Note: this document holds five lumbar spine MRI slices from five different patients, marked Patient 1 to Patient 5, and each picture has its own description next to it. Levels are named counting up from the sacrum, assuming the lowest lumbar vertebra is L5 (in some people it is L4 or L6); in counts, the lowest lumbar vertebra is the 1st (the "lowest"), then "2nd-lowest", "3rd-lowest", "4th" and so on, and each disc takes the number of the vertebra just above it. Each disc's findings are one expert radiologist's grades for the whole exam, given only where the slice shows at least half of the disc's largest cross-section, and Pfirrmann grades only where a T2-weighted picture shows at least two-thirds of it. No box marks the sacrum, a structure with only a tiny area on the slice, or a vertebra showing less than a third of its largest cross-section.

Patient 1 of 5:
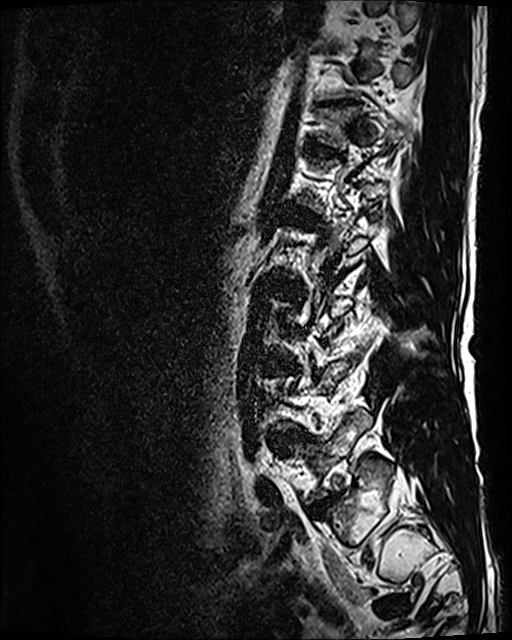

Image 512x640; Lumbar spine MR, T2 SPACE (3D), sagittal; Sex M

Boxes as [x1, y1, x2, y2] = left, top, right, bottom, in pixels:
L5/S1: [313, 499, 331, 509].
L2/L3: [265, 277, 292, 290].
L5 vertebra: [294, 410, 372, 499].
Disc T12/L1: [320, 149, 333, 154].
Disc L4/L5: [270, 431, 305, 448].
T11/T12: [331, 101, 344, 106].
L1/L2: [289, 209, 315, 220].

Patient 2 of 5:
448x449 px | Philips Healthcare Ingenia (3T) | Sagittal T1-weighted lumbar spine MRI | Slice 7/25
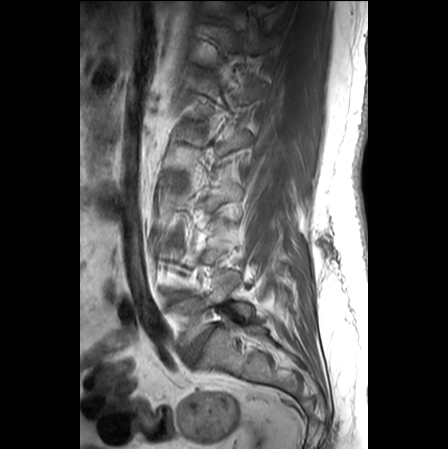
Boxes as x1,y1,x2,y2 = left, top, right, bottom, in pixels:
L5: 169,272,252,346
L5/S1: 185,324,216,363
L4/L5: 173,293,188,298

Patient 3 of 5:
Sagittal slice index 13 | Slice spacing 3.3 mm | Lumbar spine MR, T1-weighted, sagittal

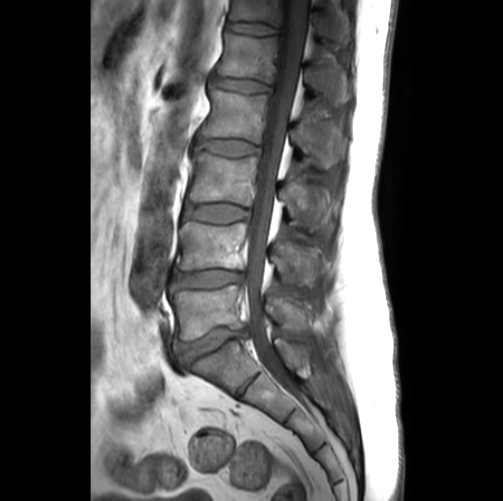

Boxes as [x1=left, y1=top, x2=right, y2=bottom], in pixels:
6th disc = [x1=226, y1=22, x2=277, y2=34].
5th vertebra = [x1=217, y1=33, x2=350, y2=104].
2nd-lowest vertebra = [x1=177, y1=222, x2=326, y2=282].
Lowest disc = [x1=174, y1=327, x2=247, y2=369].
Spinal canal = [x1=247, y1=0, x2=308, y2=386].
4th vertebra = [x1=202, y1=88, x2=343, y2=168].
4th disc = [x1=196, y1=139, x2=260, y2=156].
5th disc = [x1=211, y1=75, x2=270, y2=91].
3rd-lowest disc = [x1=185, y1=204, x2=250, y2=222].
3rd-lowest vertebra = [x1=190, y1=151, x2=332, y2=227].
Lowest vertebra = [x1=173, y1=285, x2=309, y2=339].
2nd-lowest disc = [x1=169, y1=270, x2=244, y2=292].
6th vertebra = [x1=229, y1=0, x2=351, y2=45].

Degenerative findings by level:
  2nd-lowest disc: lower-endplate change, upper-endplate change, disc narrowing, Modic type II, disc bulging
  lowest disc: disc narrowing, disc bulging
  4th disc, 3rd-lowest disc, 6th disc, 5th disc: no herniation, bulging, narrowing, spondylolisthesis, endplate or Modic change recorded

Patient 4 of 5:
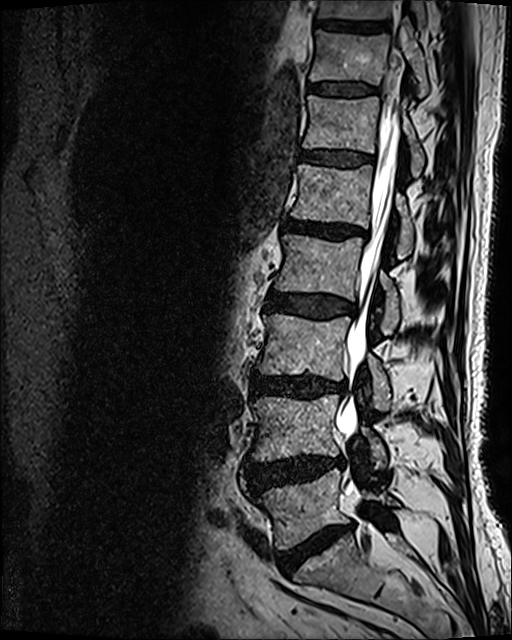
Sagittal T2 SPACE (3D) lumbar spine MRI

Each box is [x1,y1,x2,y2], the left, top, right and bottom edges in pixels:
Annotations:
- T12 vertebra = [303,95,424,176]
- L3 = [257,313,391,411]
- L4 vertebra = [252,395,387,469]
- L2 vertebra = [274,234,399,334]
- L2/L3 = [266,290,356,319]
- T10/T11 = [316,19,387,32]
- T11 vertebra = [309,18,428,97]
- L4/L5 = [246,455,344,490]
- L1 vertebra = [291,164,413,257]
- disc L3/L4 = [251,374,346,398]
- L1/L2 = [284,219,366,238]
- disc L5/S1 = [276,523,352,574]
- L5 = [257,469,397,549]
- disc T11/T12 = [309,84,376,95]
- T12/L1 = [300,151,373,167]
- T10 vertebra = [316,0,426,28]
- thecal sac / spinal canal = [337,61,401,436]

Radiological gradings:
• L5/S1: Pfirrmann grade 5, Modic type II, lower-endplate change, disc narrowing, disc bulging
• L3/L4: Pfirrmann grade 4, Modic type II, disc bulging, lower-endplate change, disc narrowing
• L4/L5: Pfirrmann grade 4, disc herniation, disc bulging
• L2/L3: Pfirrmann grade 3, disc bulging
• L1/L2: Pfirrmann grade 4, upper-endplate change, disc bulging, Modic type II, disc narrowing, lower-endplate change
• T12/L1: Pfirrmann grade 3
• T11/T12: Pfirrmann grade 3

Patient 5 of 5:
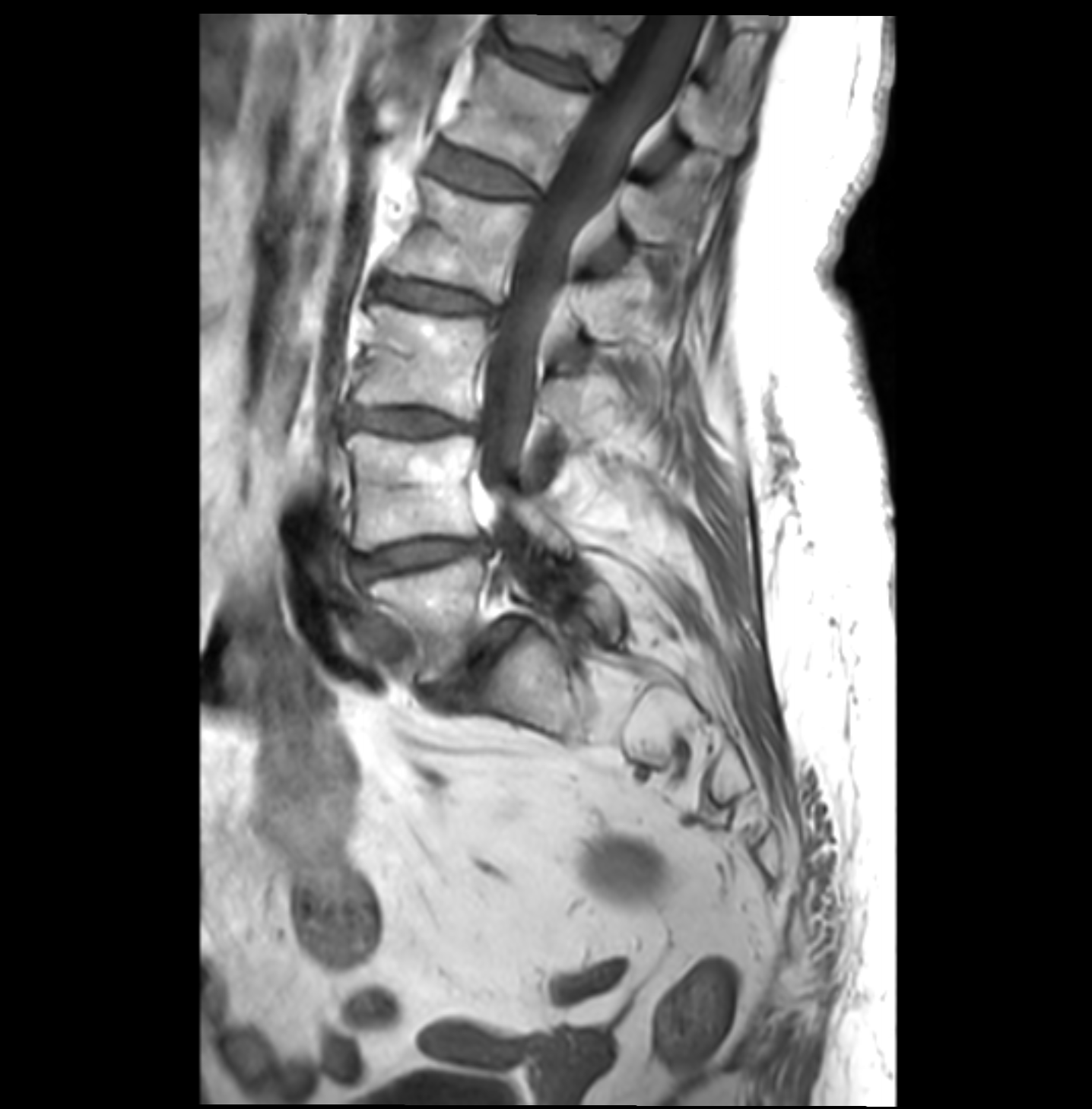 T1-weighted sagittal MRI of the lumbar spine | Sex F | Slice 22 of 36
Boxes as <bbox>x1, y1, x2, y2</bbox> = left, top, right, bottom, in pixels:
T12 vertebra at <bbox>494, 12, 752, 154</bbox>, IVD L1/L2 at <bbox>431, 142, 534, 198</bbox>, L5/S1 at <bbox>431, 620, 522, 699</bbox>, L5 at <bbox>366, 534, 617, 680</bbox>, IVD L3/L4 at <bbox>348, 407, 478, 434</bbox>, IVD L4/L5 at <bbox>350, 539, 481, 585</bbox>, L1 vertebra at <bbox>446, 52, 715, 242</bbox>, L2 at <bbox>389, 179, 638, 355</bbox>, L4 at <bbox>348, 433, 571, 553</bbox>, L2/L3 at <bbox>370, 277, 496, 322</bbox>, IVD T12/L1 at <bbox>497, 45, 597, 93</bbox>, L3 at <bbox>356, 305, 591, 443</bbox>, spinal canal at <bbox>480, 14, 684, 503</bbox>.

Expert MSK radiologist gradings (per disc):
• T12/L1: disc bulging
• L3/L4: Modic type II, disc bulging, disc narrowing
• L4/L5: disc bulging, Modic type II, disc narrowing
• L1/L2: Modic type II
• L2/L3: Modic type II, disc bulging